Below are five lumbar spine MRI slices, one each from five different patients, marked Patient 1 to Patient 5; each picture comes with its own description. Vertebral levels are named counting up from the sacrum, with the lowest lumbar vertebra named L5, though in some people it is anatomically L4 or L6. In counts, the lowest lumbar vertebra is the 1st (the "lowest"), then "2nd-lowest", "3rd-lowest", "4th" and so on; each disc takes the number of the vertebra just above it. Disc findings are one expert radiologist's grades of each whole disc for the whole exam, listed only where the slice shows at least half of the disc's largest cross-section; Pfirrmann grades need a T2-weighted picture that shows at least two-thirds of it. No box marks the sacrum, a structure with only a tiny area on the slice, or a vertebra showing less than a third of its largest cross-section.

Patient 1 of 5:
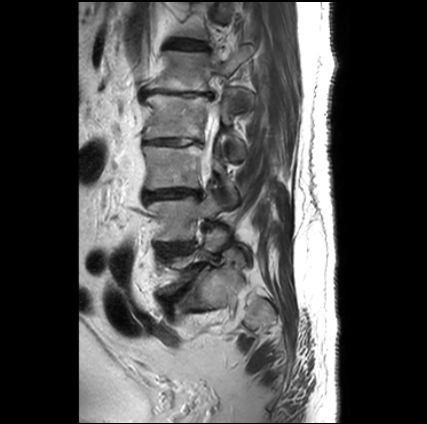 Slice 10/30, Image 427x424, T2-weighted sagittal MRI of the lumbar spine, Sex M
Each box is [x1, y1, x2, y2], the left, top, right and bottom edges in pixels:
{"spinal canal": "[202, 104, 219, 174]", "3rd-lowest vertebra": "[143, 145, 236, 202]", "2nd-lowest vertebra": "[145, 191, 221, 241]", "5th vertebra": "[144, 46, 252, 106]", "4th vertebra": "[141, 90, 251, 155]", "5th disc": "[141, 89, 212, 99]", "6th disc": "[170, 41, 203, 48]", "lowest disc": "[168, 263, 206, 305]", "lowest vertebra": "[165, 227, 226, 293]", "4th disc": "[142, 138, 198, 146]", "3rd-lowest disc": "[144, 188, 201, 199]", "2nd-lowest disc": "[157, 241, 191, 256]"}

Degenerative findings by level:
- 4th disc: Pfirrmann grade 5, Modic type II, lower-endplate change, disc bulging, upper-endplate change, disc narrowing
- 3rd-lowest disc: Pfirrmann grade 5, upper-endplate change, Modic type II, disc bulging, disc narrowing, lower-endplate change
- 5th disc: Pfirrmann grade 5, disc narrowing, upper-endplate change, disc herniation, Modic type II, disc bulging, lower-endplate change

Patient 2 of 5:
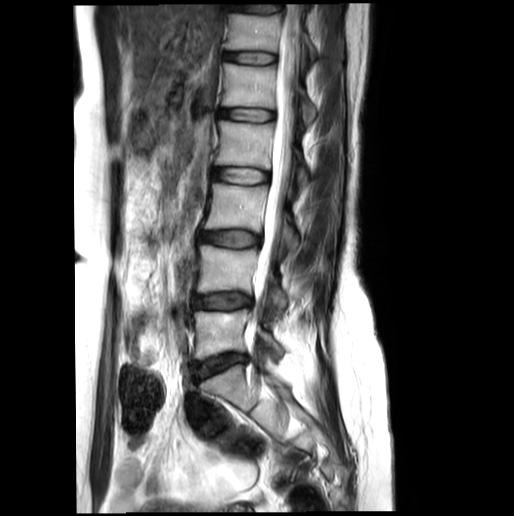 T2-weighted sagittal MRI of the lumbar spine; Sex F
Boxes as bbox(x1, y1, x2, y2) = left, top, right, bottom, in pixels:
Structures:
- L5 (lowest vertebra) — bbox(194, 309, 283, 361)
- L2 (4th vertebra) — bbox(215, 120, 309, 184)
- IVD L3/L4 (3rd-lowest disc) — bbox(199, 231, 261, 246)
- L4 (2nd-lowest vertebra) — bbox(197, 245, 286, 313)
- IVD L2/L3 (4th disc) — bbox(213, 168, 269, 184)
- T12 (6th vertebra) — bbox(224, 13, 317, 61)
- L5/S1 (lowest disc) — bbox(194, 354, 246, 379)
- L1/L2 (5th disc) — bbox(219, 108, 274, 121)
- L1 (5th vertebra) — bbox(222, 63, 317, 123)
- T12/L1 (6th disc) — bbox(224, 52, 276, 63)
- L3 (3rd-lowest vertebra) — bbox(203, 183, 298, 249)
- thecal sac / spinal canal — bbox(254, 4, 299, 311)
- L4/L5 (2nd-lowest disc) — bbox(193, 294, 252, 309)

Per-level radiological findings:
  L2/L3 (4th disc): Pfirrmann grade 2
  L3/L4 (3rd-lowest disc): Pfirrmann grade 3
  T12/L1 (6th disc): Pfirrmann grade 2
  L5/S1 (lowest disc): Pfirrmann grade 3, disc bulging, disc narrowing
  L1/L2 (5th disc): Pfirrmann grade 2
  L4/L5 (2nd-lowest disc): Pfirrmann grade 3, disc narrowing, disc bulging

Patient 3 of 5:
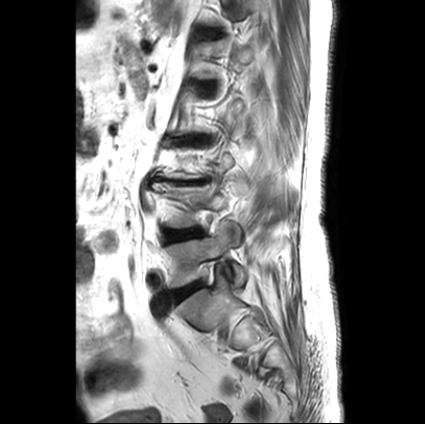 Lumbar spine MR, T2-weighted, sagittal, Slice spacing 3.3 mm, Patient sex: F, Image 425x424
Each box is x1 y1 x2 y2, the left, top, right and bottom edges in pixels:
- L3/L4 = 150 177 209 184
- L5 = 166 224 246 288
- T12/L1 = 199 29 221 36
- intervertebral disc L4/L5 = 165 228 204 242
- intervertebral disc L5/S1 = 172 282 201 302

Radiological gradings:
- L4/L5: disc bulging

Patient 4 of 5:
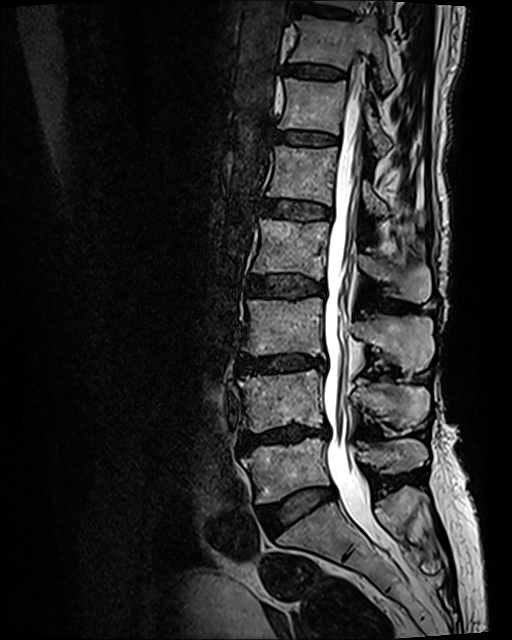

Image 512x640 | MRI lumbar spine (T2 SPACE (3D)), sagittal plane

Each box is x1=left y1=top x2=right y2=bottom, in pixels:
Segmented structures:
- L4 — x1=238 y1=369 x2=429 y2=431
- intervertebral disc L3/L4 — x1=238 y1=354 x2=326 y2=372
- L1/L2 — x1=261 y1=200 x2=331 y2=220
- T12 — x1=277 y1=78 x2=392 y2=156
- T10/T11 — x1=301 y1=5 x2=350 y2=17
- spinal canal — x1=323 y1=81 x2=387 y2=549
- T11 vertebra — x1=289 y1=14 x2=394 y2=91
- intervertebral disc L4/L5 — x1=240 y1=425 x2=329 y2=450
- L1 vertebra — x1=267 y1=144 x2=424 y2=228
- intervertebral disc L5/S1 — x1=259 y1=488 x2=335 y2=531
- intervertebral disc L2/L3 — x1=251 y1=274 x2=325 y2=298
- intervertebral disc T12/L1 — x1=276 y1=131 x2=337 y2=145
- L2 vertebra — x1=252 y1=218 x2=430 y2=303
- L3 vertebra — x1=242 y1=297 x2=433 y2=372
- intervertebral disc T11/T12 — x1=286 y1=66 x2=344 y2=78
- L5 — x1=241 y1=437 x2=426 y2=502

Per-level radiological findings:
• T12/L1: Pfirrmann grade 2, upper-endplate change, Modic type II, lower-endplate change
• T10/T11: lower-endplate change, upper-endplate change
• L1/L2: Pfirrmann grade 3, Modic type II, upper-endplate change, lower-endplate change
• L4/L5: Pfirrmann grade 4, lower-endplate change, Modic type II, disc narrowing, upper-endplate change, disc bulging
• L5/S1: Pfirrmann grade 2, disc bulging
• L2/L3: Pfirrmann grade 3, disc bulging, lower-endplate change, upper-endplate change, Modic type II
• T11/T12: Pfirrmann grade 2, upper-endplate change, Modic type II, lower-endplate change
• L3/L4: Pfirrmann grade 4, Modic type II, upper-endplate change, lower-endplate change, disc narrowing, disc bulging

Patient 5 of 5:
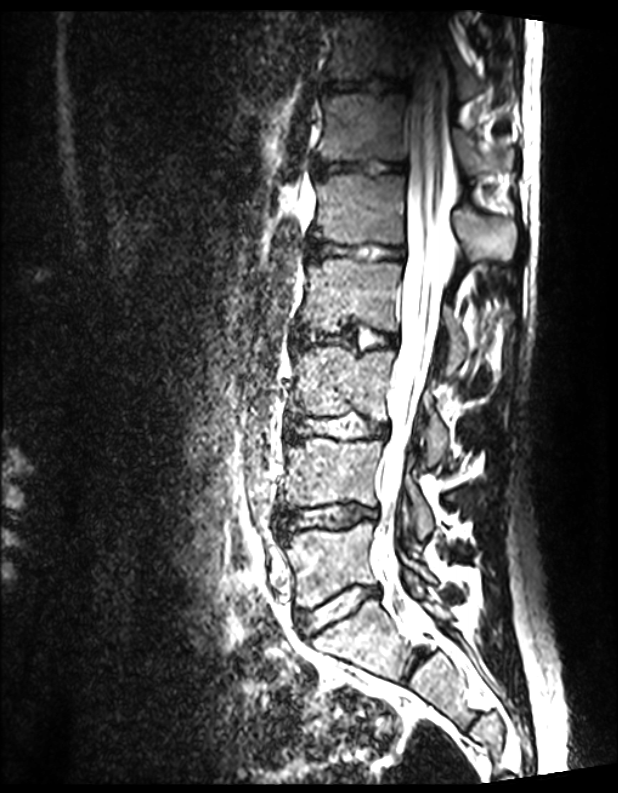 T2 SPACE (3D) sagittal MRI of the lumbar spine.
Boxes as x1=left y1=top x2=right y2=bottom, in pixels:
Structures:
- L5 = x1=283 y1=523 x2=434 y2=606
- L4 vertebra = x1=283 y1=438 x2=432 y2=539
- L3 vertebra = x1=292 y1=347 x2=449 y2=467
- T11 = x1=327 y1=14 x2=485 y2=98
- T12/L1 = x1=313 y1=160 x2=405 y2=175
- IVD L2/L3 = x1=293 y1=328 x2=398 y2=349
- IVD L4/L5 = x1=279 y1=503 x2=376 y2=532
- L1 = x1=313 y1=173 x2=518 y2=263
- L2 = x1=300 y1=259 x2=467 y2=378
- thecal sac / spinal canal = x1=372 y1=31 x2=450 y2=567
- L1/L2 = x1=307 y1=239 x2=404 y2=260
- IVD L5/S1 = x1=300 y1=586 x2=378 y2=634
- T12 = x1=317 y1=92 x2=515 y2=175
- IVD L3/L4 = x1=289 y1=416 x2=388 y2=439
- IVD T11/T12 = x1=321 y1=78 x2=404 y2=92

Expert MSK radiologist gradings (per disc):
- L5/S1: Pfirrmann grade 1
- T11/T12: Pfirrmann grade 1
- L4/L5: Pfirrmann grade 1
- T12/L1: Pfirrmann grade 1
- L1/L2: Pfirrmann grade 1
- L2/L3: Pfirrmann grade 1
- L3/L4: Pfirrmann grade 1